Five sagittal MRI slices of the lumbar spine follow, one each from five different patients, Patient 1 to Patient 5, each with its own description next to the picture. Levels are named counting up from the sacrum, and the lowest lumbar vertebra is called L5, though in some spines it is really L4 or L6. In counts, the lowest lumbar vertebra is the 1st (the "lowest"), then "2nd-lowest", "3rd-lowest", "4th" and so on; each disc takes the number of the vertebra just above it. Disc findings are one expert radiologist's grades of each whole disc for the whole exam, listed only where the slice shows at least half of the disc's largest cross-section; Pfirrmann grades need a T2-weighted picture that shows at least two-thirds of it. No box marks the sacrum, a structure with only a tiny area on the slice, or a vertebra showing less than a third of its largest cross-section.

Patient 1 of 5:
Scanner: Philips Healthcare Ingenia (3T) | Sex F | Slice 17 of 43 | Field of view 285x291 mm | MRI lumbar spine (T2-weighted), sagittal plane | Image 343x349
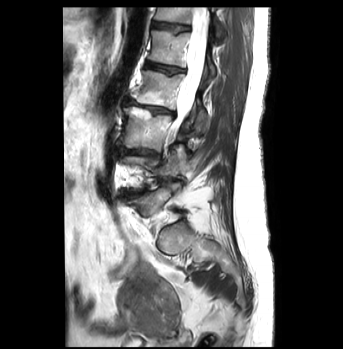
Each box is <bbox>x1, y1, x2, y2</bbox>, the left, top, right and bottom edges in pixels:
5th disc at <bbox>144, 60, 185, 74</bbox>, 2nd-lowest disc at <bbox>123, 191, 145, 198</bbox>, lowest vertebra at <bbox>128, 183, 179, 216</bbox>, 3rd-lowest vertebra at <bbox>123, 107, 187, 150</bbox>, 5th vertebra at <bbox>148, 30, 215, 74</bbox>, 4th vertebra at <bbox>133, 70, 206, 129</bbox>, 6th vertebra at <bbox>154, 6, 223, 36</bbox>, thecal sac / spinal canal at <bbox>172, 7, 208, 133</bbox>, 3rd-lowest disc at <bbox>114, 142, 159, 157</bbox>, 4th disc at <bbox>124, 98, 174, 115</bbox>, 6th disc at <bbox>152, 21, 190, 31</bbox>.

Expert MSK radiologist gradings (per disc):
- 6th disc: Pfirrmann grade 1, upper-endplate change
- 3rd-lowest disc: Pfirrmann grade 3, disc bulging, Modic type II
- 5th disc: Pfirrmann grade 3, upper-endplate change
- 4th disc: Pfirrmann grade 4, disc narrowing, disc bulging, Modic type II, lower-endplate change

Patient 2 of 5:
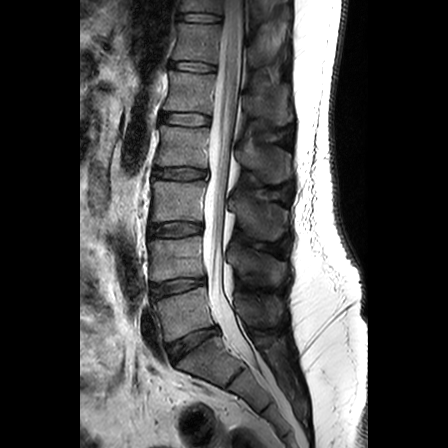 Patient sex: M | Slice 13 of 24 | T2-weighted sagittal MRI of the lumbar spine
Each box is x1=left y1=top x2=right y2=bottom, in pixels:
Structures:
- 7th disc: x1=179 y1=12 x2=220 y2=21
- 4th disc: x1=153 y1=168 x2=206 y2=179
- 5th vertebra: x1=163 y1=71 x2=292 y2=124
- spinal canal: x1=203 y1=0 x2=252 y2=359
- 3rd-lowest disc: x1=149 y1=222 x2=201 y2=236
- 6th vertebra: x1=173 y1=23 x2=266 y2=67
- 7th vertebra: x1=181 y1=0 x2=263 y2=20
- lowest disc: x1=167 y1=327 x2=218 y2=361
- 3rd-lowest vertebra: x1=151 y1=181 x2=282 y2=240
- 2nd-lowest disc: x1=151 y1=278 x2=204 y2=298
- 6th disc: x1=171 y1=61 x2=214 y2=71
- 4th vertebra: x1=155 y1=125 x2=290 y2=183
- lowest vertebra: x1=152 y1=287 x2=281 y2=342
- 5th disc: x1=160 y1=113 x2=209 y2=125
- 2nd-lowest vertebra: x1=148 y1=236 x2=285 y2=283

Expert MSK radiologist gradings (per disc):
- 7th disc: Pfirrmann grade 1
- 3rd-lowest disc: Pfirrmann grade 2
- 4th disc: Pfirrmann grade 2, disc bulging
- lowest disc: Pfirrmann grade 3, disc bulging
- 6th disc: Pfirrmann grade 1
- 2nd-lowest disc: Pfirrmann grade 2
- 5th disc: Pfirrmann grade 1

Patient 3 of 5:
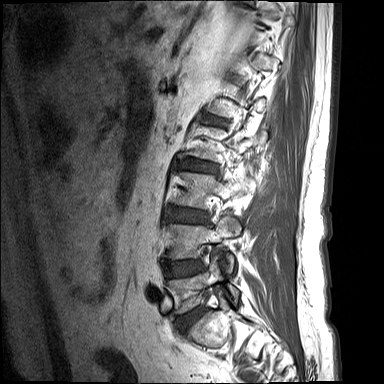 Patient sex: M. Slice 13/15. T1-weighted sagittal MRI of the lumbar spine.

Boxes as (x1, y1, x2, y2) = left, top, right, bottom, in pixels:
- L4 at (169, 216, 241, 272)
- disc L4/L5 at (165, 261, 204, 275)
- L2/L3 at (178, 159, 218, 173)
- L1/L2 at (205, 115, 226, 125)
- disc L3/L4 at (168, 207, 208, 222)
- L5 vertebra at (169, 255, 238, 314)
- L5/S1 at (179, 307, 206, 332)
- L3 at (173, 172, 237, 208)

Degenerative findings by level:
• L3/L4: upper-endplate change, disc bulging, lower-endplate change
• L4/L5: disc bulging
• L2/L3: lower-endplate change, upper-endplate change, disc bulging

Patient 4 of 5:
Sagittal T2-weighted lumbar spine MRI, Sex F
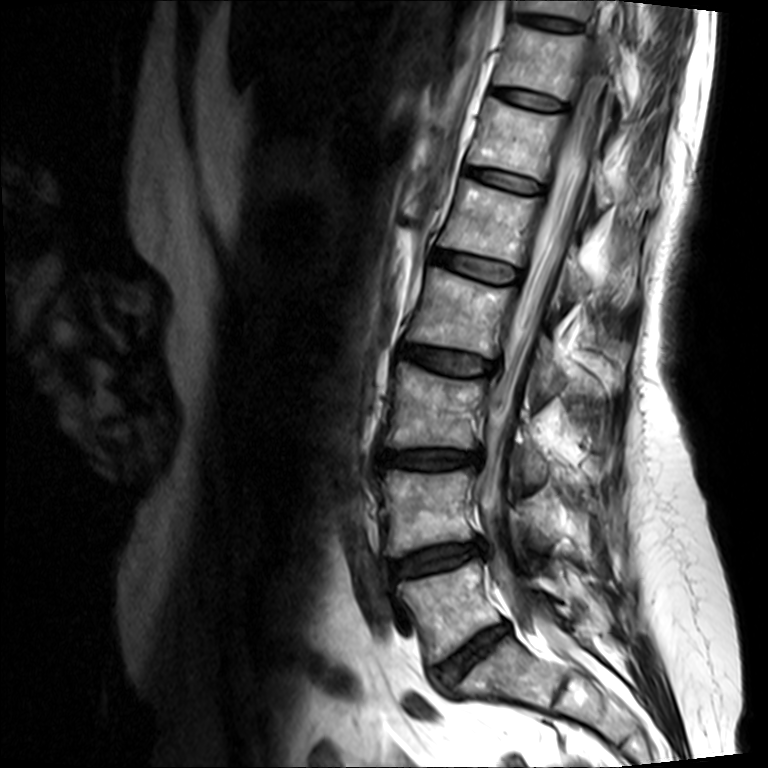
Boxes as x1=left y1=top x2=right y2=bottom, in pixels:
L5: x1=397 y1=559 x2=559 y2=662
L4 vertebra: x1=379 y1=470 x2=556 y2=555
intervertebral disc L4/L5: x1=389 y1=539 x2=487 y2=580
L1: x1=441 y1=179 x2=592 y2=296
intervertebral disc L5/S1: x1=434 y1=622 x2=510 y2=690
T11/T12: x1=492 y1=84 x2=565 y2=111
L2 vertebra: x1=408 y1=267 x2=565 y2=395
T12 vertebra: x1=469 y1=97 x2=612 y2=207
T12/L1: x1=466 y1=166 x2=542 y2=192
T11: x1=496 y1=22 x2=632 y2=117
T10 vertebra: x1=514 y1=0 x2=595 y2=19
L3/L4: x1=380 y1=450 x2=483 y2=467
L3: x1=385 y1=361 x2=548 y2=483
intervertebral disc T10/T11: x1=514 y1=10 x2=581 y2=31
spinal canal: x1=482 y1=11 x2=652 y2=622
intervertebral disc L1/L2: x1=433 y1=249 x2=519 y2=283
L2/L3: x1=401 y1=343 x2=496 y2=375

Degenerative findings by level:
• T12/L1: Pfirrmann grade 2
• L3/L4: Pfirrmann grade 3, lower-endplate change, disc narrowing, disc bulging, upper-endplate change
• L5/S1: Pfirrmann grade 3, disc bulging, disc narrowing
• T11/T12: Pfirrmann grade 2
• T10/T11: Pfirrmann grade 2
• L2/L3: Pfirrmann grade 3, disc bulging
• L1/L2: Pfirrmann grade 2
• L4/L5: Pfirrmann grade 3, disc herniation, disc narrowing, disc bulging, Modic type II

Patient 5 of 5:
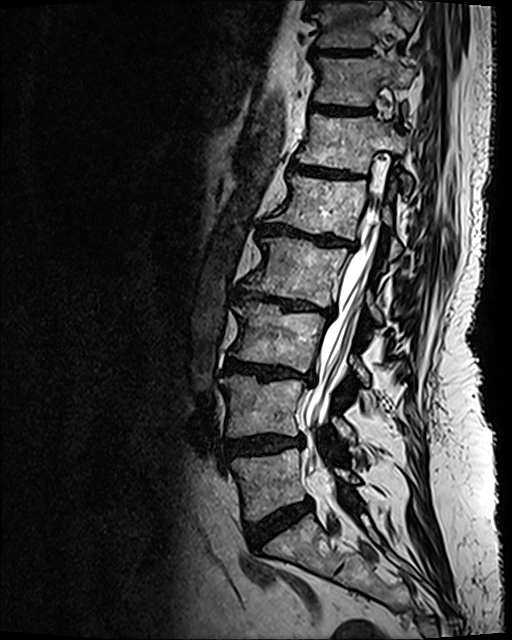
Sagittal T2 SPACE (3D) lumbar spine MRI | Slice 68 of 120 | Patient sex: F
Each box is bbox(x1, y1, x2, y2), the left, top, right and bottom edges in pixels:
T10: bbox(315, 0, 416, 47).
L5/S1: bbox(245, 499, 312, 549).
L4/L5: bbox(221, 435, 303, 458).
IVD L2/L3: bbox(236, 289, 333, 314).
IVD L3/L4: bbox(225, 359, 314, 381).
L2: bbox(244, 237, 381, 321).
IVD T11/T12: bbox(313, 106, 351, 113).
Thecal sac / spinal canal: bbox(305, 190, 381, 493).
T12: bbox(298, 114, 411, 194).
L1/L2: bbox(259, 225, 355, 247).
L3: bbox(231, 301, 368, 381).
T11: bbox(315, 55, 413, 107).
L5: bbox(232, 449, 359, 520).
L4 vertebra: bbox(221, 375, 355, 440).
IVD T10/T11: bbox(313, 49, 367, 53).
T12/L1: bbox(289, 162, 350, 176).
L1 vertebra: bbox(268, 174, 401, 259).

Per-level radiological findings:
  L3/L4: Pfirrmann grade 5, Modic type II, disc narrowing, lower-endplate change, disc bulging, upper-endplate change
  T10/T11: lower-endplate change, upper-endplate change
  T12/L1: Modic type II, upper-endplate change, lower-endplate change
  L4/L5: Pfirrmann grade 4, upper-endplate change, disc bulging, lower-endplate change
  L2/L3: upper-endplate change, lower-endplate change, disc bulging, disc narrowing, Modic type II
  L5/S1: Pfirrmann grade 4, disc bulging
  L1/L2: Pfirrmann grade 5, upper-endplate change, Modic type II, lower-endplate change, disc narrowing, disc bulging
  T11/T12: upper-endplate change, lower-endplate change